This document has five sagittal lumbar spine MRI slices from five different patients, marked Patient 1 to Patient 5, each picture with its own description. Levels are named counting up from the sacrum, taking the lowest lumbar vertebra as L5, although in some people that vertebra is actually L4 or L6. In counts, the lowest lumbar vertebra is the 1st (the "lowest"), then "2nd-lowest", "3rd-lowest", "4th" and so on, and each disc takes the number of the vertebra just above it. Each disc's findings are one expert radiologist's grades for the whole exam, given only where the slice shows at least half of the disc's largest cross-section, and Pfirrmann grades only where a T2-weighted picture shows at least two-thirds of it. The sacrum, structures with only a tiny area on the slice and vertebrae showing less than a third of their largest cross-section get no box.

Patient 1 of 5:
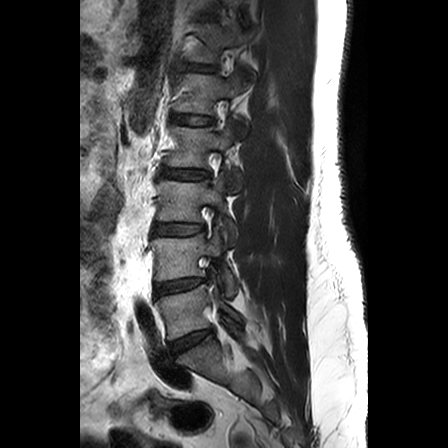 Lumbar spine MR, T2-weighted, sagittal, Sagittal slice index 16, Patient sex: M
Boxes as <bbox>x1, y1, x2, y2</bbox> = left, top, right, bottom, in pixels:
L1 vertebra: <bbox>171, 73, 244, 129</bbox>
L2 vertebra: <bbox>164, 125, 241, 192</bbox>
L1/L2: <bbox>170, 114, 213, 125</bbox>
intervertebral disc L5/S1: <bbox>170, 330, 210, 353</bbox>
L5: <bbox>155, 284, 243, 340</bbox>
intervertebral disc T12/L1: <bbox>188, 64, 217, 71</bbox>
intervertebral disc L4/L5: <bbox>154, 278, 204, 297</bbox>
L4: <bbox>150, 229, 237, 298</bbox>
L3 vertebra: <bbox>156, 178, 236, 240</bbox>
T12: <bbox>187, 24, 250, 71</bbox>
L3/L4: <bbox>152, 224, 204, 235</bbox>
L2/L3: <bbox>160, 169, 209, 179</bbox>
T11/T12: <bbox>198, 14, 216, 19</bbox>

Degenerative findings by level:
- L5/S1: disc bulging
- L3/L4: Pfirrmann grade 2
- L1/L2: Pfirrmann grade 1
- L2/L3: Pfirrmann grade 2, disc bulging
- L4/L5: Pfirrmann grade 2

Patient 2 of 5:
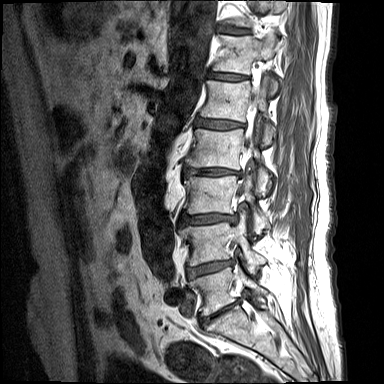

T1-weighted sagittal MRI of the lumbar spine
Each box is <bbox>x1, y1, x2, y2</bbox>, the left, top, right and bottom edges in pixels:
L5/S1 at <bbox>199, 303, 236, 326</bbox>, T12 vertebra at <bbox>213, 31, 277, 90</bbox>, T12/L1 at <bbox>209, 72, 247, 81</bbox>, L2 vertebra at <bbox>186, 128, 271, 194</bbox>, L3 at <bbox>184, 175, 269, 233</bbox>, L3/L4 at <bbox>179, 214, 237, 225</bbox>, T11/T12 at <bbox>220, 26, 250, 34</bbox>, L2/L3 at <bbox>183, 166, 242, 176</bbox>, thecal sac / spinal canal at <bbox>238, 96, 256, 191</bbox>, L4/L5 at <bbox>187, 260, 233, 277</bbox>, L1/L2 at <bbox>196, 118, 245, 128</bbox>, L4 at <bbox>178, 222, 265, 272</bbox>, L5 vertebra at <bbox>189, 267, 267, 315</bbox>, L1 at <bbox>201, 80, 275, 142</bbox>.

Radiological gradings:
- L2/L3: disc herniation, Modic type II, lower-endplate change, disc narrowing
- L1/L2: disc bulging, Modic type II, lower-endplate change, disc narrowing
- T11/T12: Modic type II, disc narrowing, upper-endplate change, lower-endplate change
- T12/L1: disc narrowing, Modic type II
- L3/L4: lower-endplate change, Modic type II, upper-endplate change, disc narrowing, disc herniation
- L4/L5: lower-endplate change, disc narrowing, Modic type II, disc bulging

Patient 3 of 5:
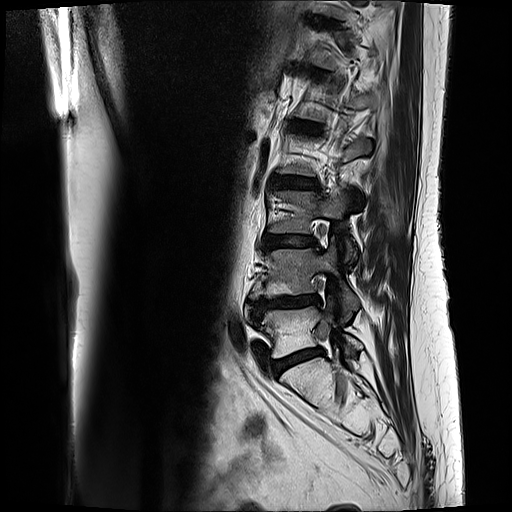 Sagittal T2-weighted lumbar spine MRI | Image 512x512 | Patient sex: F

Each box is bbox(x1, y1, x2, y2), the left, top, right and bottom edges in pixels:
{"L4": "bbox(252, 238, 359, 319)", "L3/L4": "bbox(264, 236, 318, 248)", "L5 vertebra": "bbox(256, 304, 362, 358)", "L3 vertebra": "bbox(269, 190, 356, 260)", "L1/L2": "bbox(292, 120, 323, 132)", "L5/S1": "bbox(272, 348, 323, 376)", "intervertebral disc L2/L3": "bbox(270, 174, 320, 189)", "T11/T12": "bbox(312, 18, 337, 25)", "L4/L5": "bbox(249, 294, 319, 316)", "intervertebral disc T12/L1": "bbox(304, 70, 328, 76)"}

Expert MSK radiologist gradings (per disc):
  L5/S1: disc bulging, Modic type II
  L4/L5: Pfirrmann grade 4, upper-endplate change, Modic type II, disc narrowing, disc bulging, lower-endplate change
  L3/L4: Pfirrmann grade 3, disc bulging, Modic type II
  L2/L3: Pfirrmann grade 3, disc bulging, Modic type II

Patient 4 of 5:
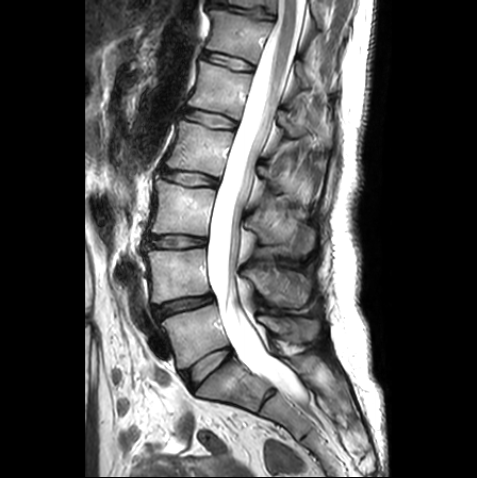 Sagittal T2-weighted lumbar spine MRI, Patient sex: F, Slice 13 of 25
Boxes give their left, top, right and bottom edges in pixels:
T12/L1 at left=203, top=51, right=252, bottom=70.
T11/T12 at left=210, top=0, right=273, bottom=19.
L4 vertebra at left=147, top=249, right=310, bottom=305.
L5 at left=162, top=304, right=318, bottom=368.
L2 at left=165, top=119, right=279, bottom=190.
Disc L3/L4 at left=148, top=236, right=206, bottom=247.
Disc L5/S1 at left=182, top=348, right=231, bottom=389.
L3 at left=150, top=175, right=314, bottom=255.
L1/L2 at left=184, top=108, right=236, bottom=128.
T12 at left=207, top=10, right=308, bottom=87.
T11 vertebra at left=220, top=0, right=320, bottom=17.
Disc L2/L3 at left=162, top=167, right=217, bottom=186.
Thecal sac / spinal canal at left=208, top=0, right=306, bottom=394.
L4/L5 at left=153, top=294, right=213, bottom=318.
L1 at left=188, top=61, right=329, bottom=144.

Expert MSK radiologist gradings (per disc):
• L2/L3: Pfirrmann grade 2, lower-endplate change, upper-endplate change, disc bulging
• L4/L5: Pfirrmann grade 3, disc narrowing, lower-endplate change, disc bulging, upper-endplate change
• L3/L4: Pfirrmann grade 2, disc narrowing, disc bulging
• L5/S1: Pfirrmann grade 1
• T12/L1: Pfirrmann grade 1, lower-endplate change, upper-endplate change
• L1/L2: Pfirrmann grade 1, lower-endplate change, upper-endplate change
• T11/T12: Pfirrmann grade 1, upper-endplate change, lower-endplate change, disc narrowing

Patient 5 of 5:
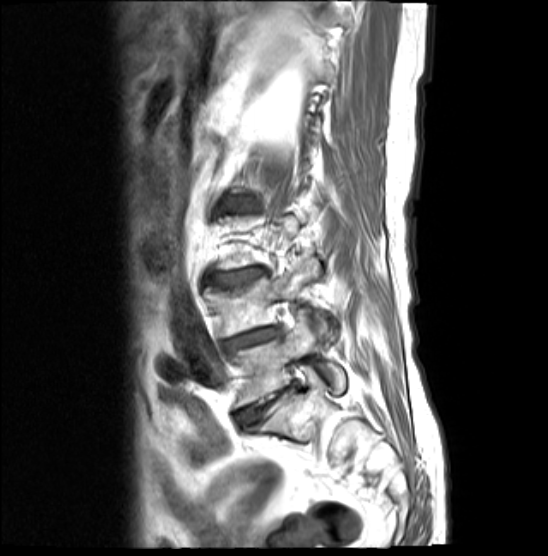
Sagittal T1-weighted lumbar spine MRI; Slice 5 of 19
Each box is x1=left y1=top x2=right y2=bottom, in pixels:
{"L5/S1": "x1=236 y1=385 x2=294 y2=426", "L3/L4": "x1=211 y1=268 x2=266 y2=288", "L4": "x1=204 y1=255 x2=326 y2=336", "L5 vertebra": "x1=228 y1=317 x2=345 y2=406", "L4/L5": "x1=223 y1=327 x2=278 y2=353"}

Degenerative findings by level:
• L5/S1: lower-endplate change, disc narrowing, Modic type II, disc bulging, upper-endplate change
• L4/L5: disc narrowing, upper-endplate change, Modic type II, lower-endplate change, disc bulging